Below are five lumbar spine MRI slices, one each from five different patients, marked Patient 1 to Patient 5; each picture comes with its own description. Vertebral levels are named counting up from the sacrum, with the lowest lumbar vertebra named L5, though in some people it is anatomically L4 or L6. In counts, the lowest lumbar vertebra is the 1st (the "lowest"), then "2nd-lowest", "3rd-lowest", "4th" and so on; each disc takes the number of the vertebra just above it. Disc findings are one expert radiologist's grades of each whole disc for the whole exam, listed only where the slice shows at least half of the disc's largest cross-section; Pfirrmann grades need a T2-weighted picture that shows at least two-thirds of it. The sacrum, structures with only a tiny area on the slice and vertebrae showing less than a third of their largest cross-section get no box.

Patient 1 of 5:
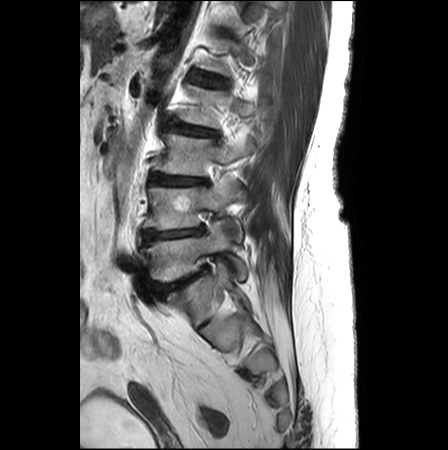 Slice spacing 3.3 mm; T2-weighted sagittal MRI of the lumbar spine

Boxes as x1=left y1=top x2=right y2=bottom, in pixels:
• 3rd-lowest vertebra at x1=153 y1=134 x2=254 y2=175
• 3rd-lowest disc at x1=151 y1=174 x2=207 y2=185
• 2nd-lowest disc at x1=142 y1=226 x2=204 y2=244
• lowest vertebra at x1=141 y1=218 x2=246 y2=282
• lowest disc at x1=154 y1=265 x2=209 y2=298
• 5th disc at x1=190 y1=72 x2=224 y2=86
• 4th disc at x1=170 y1=124 x2=216 y2=136
• 2nd-lowest vertebra at x1=144 y1=178 x2=242 y2=242
• 4th vertebra at x1=179 y1=84 x2=257 y2=127

Expert MSK radiologist gradings (per disc):
• lowest disc: Pfirrmann grade 5, disc bulging, upper-endplate change, disc narrowing, lower-endplate change, Modic type II
• 4th disc: disc bulging, upper-endplate change, lower-endplate change, disc narrowing, Modic type II
• 2nd-lowest disc: Pfirrmann grade 3, lower-endplate change, disc narrowing, disc bulging, Modic type II, upper-endplate change
• 3rd-lowest disc: Pfirrmann grade 3, disc narrowing, disc bulging, Modic type II, lower-endplate change, upper-endplate change
• 5th disc: no spondylolisthesis, narrowing, bulging, herniation, Modic or endplate change recorded

Patient 2 of 5:
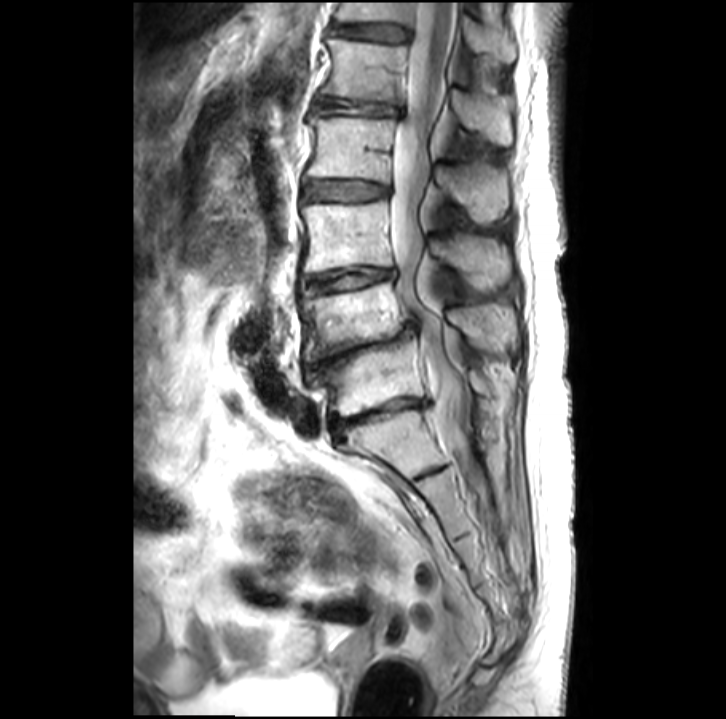
Field of view 285x282 mm, T2-weighted sagittal MRI of the lumbar spine
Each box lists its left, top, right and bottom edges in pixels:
* intervertebral disc L4/L5 (2nd-lowest disc) = left=306, top=324, right=416, bottom=371
* L5 (lowest vertebra) = left=309, top=340, right=499, bottom=415
* T12 (6th vertebra) = left=336, top=1, right=517, bottom=60
* intervertebral disc L5/S1 (lowest disc) = left=330, top=397, right=426, bottom=432
* L3 (3rd-lowest vertebra) = left=301, top=199, right=510, bottom=286
* L4 (2nd-lowest vertebra) = left=301, top=281, right=516, bottom=360
* L3/L4 (3rd-lowest disc) = left=305, top=266, right=394, bottom=290
* L2/L3 (4th disc) = left=304, top=180, right=387, bottom=198
* intervertebral disc L1/L2 (5th disc) = left=316, top=98, right=396, bottom=113
* L2 (4th vertebra) = left=307, top=114, right=508, bottom=223
* T12/L1 (6th disc) = left=333, top=23, right=409, bottom=39
* thecal sac / spinal canal = left=390, top=1, right=468, bottom=470
* L1 (5th vertebra) = left=321, top=37, right=513, bottom=143

Expert MSK radiologist gradings (per disc):
  L4/L5 (2nd-lowest disc): Pfirrmann grade 5, disc narrowing
  L5/S1 (lowest disc): Pfirrmann grade 5, disc narrowing, Modic type II
  L3/L4 (3rd-lowest disc): Pfirrmann grade 3, Modic type II, disc narrowing
  L1/L2 (5th disc): Pfirrmann grade 4, disc bulging, disc narrowing
  L2/L3 (4th disc): Pfirrmann grade 2
  T12/L1 (6th disc): Pfirrmann grade 2, disc bulging

Patient 3 of 5:
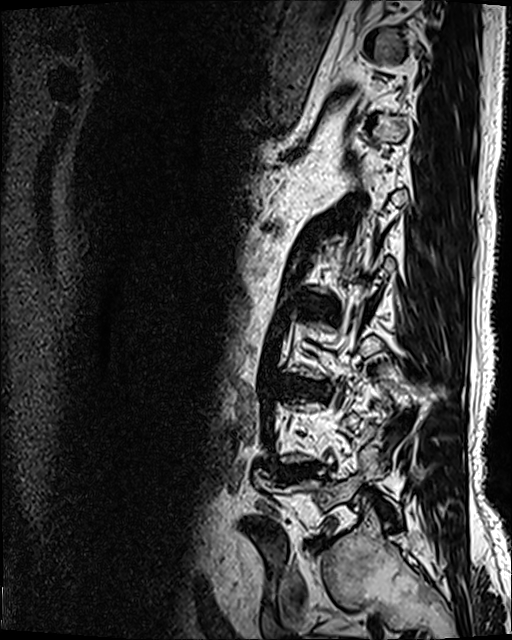 Sagittal T2 SPACE (3D) lumbar spine MRI. Image 512x640. Field of view 240x300 mm. Slice 32/120.
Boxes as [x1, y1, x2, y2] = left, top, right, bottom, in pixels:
L4/L5: [278, 465, 316, 480].
Intervertebral disc L3/L4: [286, 378, 328, 397].

Patient 4 of 5:
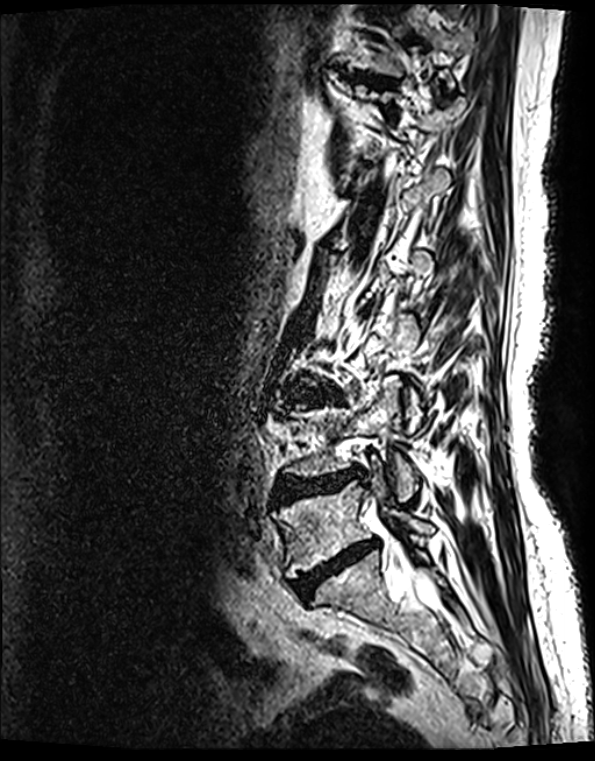
MRI lumbar spine (T2 SPACE (3D)), sagittal plane
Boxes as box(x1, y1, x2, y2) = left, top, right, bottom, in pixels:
T11/T12 = box(356, 75, 392, 88).
L5 vertebra = box(276, 462, 433, 577).
L4 vertebra = box(286, 376, 416, 500).
L5/S1 = box(294, 541, 378, 597).
L4/L5 = box(276, 468, 356, 501).
Spinal canal = box(416, 576, 430, 593).
L3/L4 = box(289, 389, 338, 403).

Expert MSK radiologist gradings (per disc):
  L4/L5: disc herniation, Modic type II, disc bulging, disc narrowing, upper-endplate change, lower-endplate change
  L5/S1: Pfirrmann grade 5, upper-endplate change, disc narrowing, Modic type II, lower-endplate change, disc bulging

Patient 5 of 5:
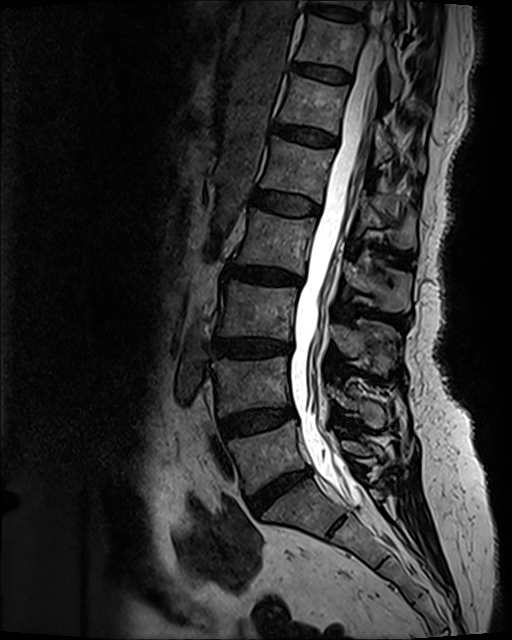

Slice 56/120, Lumbar spine MR, T2 SPACE (3D), sagittal, Field of view 240x300 mm, Patient sex: F
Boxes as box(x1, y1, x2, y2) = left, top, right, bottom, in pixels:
IVD L1/L2 — box(251, 191, 318, 215).
L3/L4 — box(212, 339, 291, 355).
L5/S1 — box(249, 470, 308, 515).
T10/T11 — box(308, 4, 361, 20).
IVD L4/L5 — box(220, 406, 294, 436).
L2 — box(233, 209, 410, 311).
L1 — box(261, 136, 415, 249).
L3 — box(217, 281, 396, 374).
IVD L2/L3 — box(225, 265, 300, 282).
Thecal sac / spinal canal — box(290, 22, 382, 505).
T12 — box(278, 74, 425, 172).
IVD T11/T12 — box(294, 64, 351, 81).
IVD T12/L1 — box(273, 124, 337, 146).
L5 — box(229, 421, 370, 494).
L4 — box(212, 356, 386, 426).
T11 vertebra — box(296, 16, 401, 99).

Per-level radiological findings:
• T12/L1: Pfirrmann grade 3, disc bulging
• L2/L3: Pfirrmann grade 4, Modic type II, lower-endplate change, disc bulging, upper-endplate change, disc narrowing
• T11/T12: Pfirrmann grade 2
• L4/L5: Pfirrmann grade 3, disc bulging
• L5/S1: Pfirrmann grade 4, disc bulging, disc narrowing
• L3/L4: Pfirrmann grade 4, upper-endplate change, Modic type II, disc bulging, disc narrowing, lower-endplate change
• L1/L2: Pfirrmann grade 2
• T10/T11: no herniation, bulging, narrowing, spondylolisthesis, endplate or Modic change recorded